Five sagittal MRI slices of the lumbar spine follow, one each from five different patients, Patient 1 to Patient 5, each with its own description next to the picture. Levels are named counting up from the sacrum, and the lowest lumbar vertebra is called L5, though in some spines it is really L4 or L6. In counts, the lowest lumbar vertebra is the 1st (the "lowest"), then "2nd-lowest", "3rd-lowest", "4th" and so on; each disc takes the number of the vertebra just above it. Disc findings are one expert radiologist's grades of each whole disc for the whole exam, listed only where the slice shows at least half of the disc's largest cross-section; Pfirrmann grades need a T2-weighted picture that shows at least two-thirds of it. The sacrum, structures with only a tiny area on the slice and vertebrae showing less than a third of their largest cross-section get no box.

Patient 1 of 5:
Patient sex: F. T1-weighted sagittal MRI of the lumbar spine. 646x647 px. 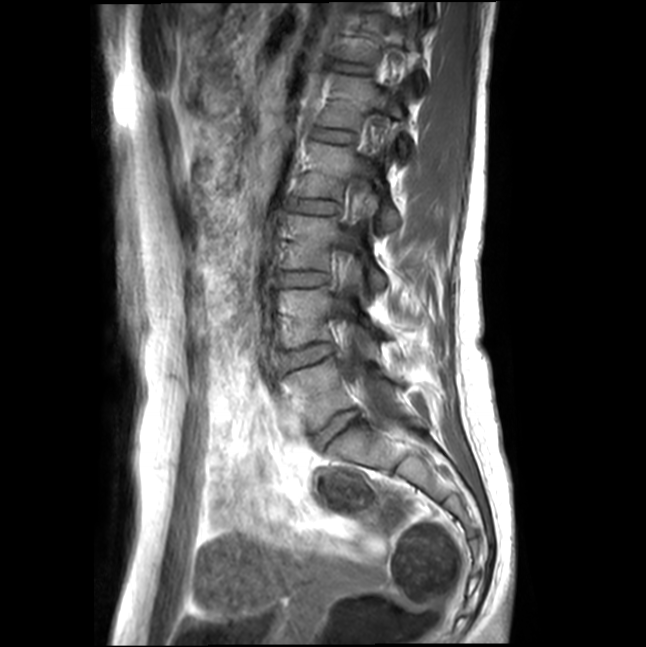

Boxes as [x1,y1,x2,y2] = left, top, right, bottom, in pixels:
{"T12/L1 (6th disc)": "[337,65,371,73]", "L5 (lowest vertebra)": "[287,358,405,430]", "disc L4/L5 (2nd-lowest disc)": "[282,343,333,368]", "L3 (3rd-lowest vertebra)": "[281,215,386,290]", "thecal sac / spinal canal": "[339,160,400,422]", "disc L3/L4 (3rd-lowest disc)": "[277,272,328,287]", "L2 (4th vertebra)": "[297,142,399,230]", "L5/S1 (lowest disc)": "[316,411,359,446]", "L2/L3 (4th disc)": "[291,199,340,214]", "L1 (5th vertebra)": "[317,74,409,154]", "L4 (2nd-lowest vertebra)": "[277,287,382,347]", "disc L1/L2 (5th disc)": "[313,127,353,143]"}

Radiological gradings:
  L4/L5 (2nd-lowest disc), L5/S1 (lowest disc), L2/L3 (4th disc), L3/L4 (3rd-lowest disc), L1/L2 (5th disc): no spondylolisthesis, narrowing, bulging, herniation, Modic or endplate change recorded

Patient 2 of 5:
512x640 px. Sagittal T2 SPACE (3D) lumbar spine MRI. Field of view 240x300 mm.
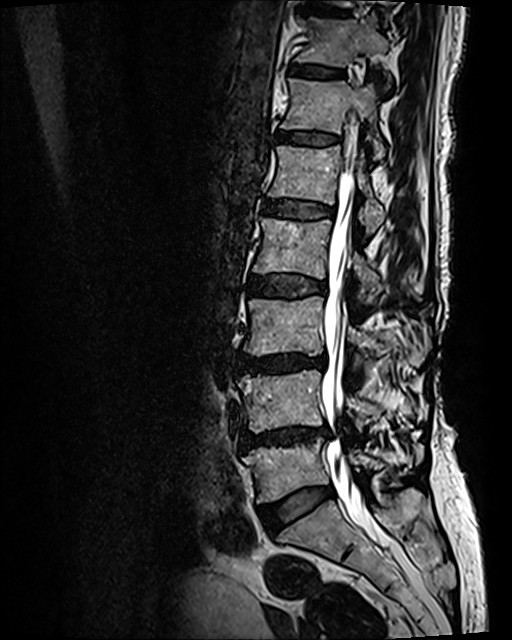

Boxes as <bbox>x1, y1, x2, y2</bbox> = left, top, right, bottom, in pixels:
* thecal sac / spinal canal: <bbox>322, 146, 384, 546</bbox>
* IVD T11/T12: <bbox>290, 63, 343, 78</bbox>
* L2: <bbox>253, 218, 424, 304</bbox>
* T12 vertebra: <bbox>281, 79, 385, 159</bbox>
* T11: <bbox>296, 14, 391, 88</bbox>
* L1 vertebra: <bbox>268, 145, 384, 235</bbox>
* L2/L3: <bbox>252, 275, 326, 297</bbox>
* L4 vertebra: <bbox>237, 370, 381, 431</bbox>
* IVD L4/L5: <bbox>242, 425, 329, 449</bbox>
* IVD T10/T11: <bbox>306, 6, 345, 15</bbox>
* L5 vertebra: <bbox>242, 438, 422, 502</bbox>
* T12/L1: <bbox>276, 131, 338, 145</bbox>
* L3/L4: <bbox>237, 353, 326, 372</bbox>
* L3: <bbox>243, 296, 428, 370</bbox>
* IVD L1/L2: <bbox>263, 200, 333, 219</bbox>
* L5/S1: <bbox>259, 488, 333, 530</bbox>

Per-level radiological findings:
- L3/L4: Pfirrmann grade 4, disc narrowing, upper-endplate change, lower-endplate change, disc bulging, Modic type II
- L5/S1: Pfirrmann grade 2, disc bulging
- L4/L5: Pfirrmann grade 4, upper-endplate change, disc bulging, Modic type II, disc narrowing, lower-endplate change
- T12/L1: Pfirrmann grade 2, lower-endplate change, Modic type II, upper-endplate change
- L2/L3: Pfirrmann grade 3, upper-endplate change, disc bulging, lower-endplate change, Modic type II
- T11/T12: Pfirrmann grade 2, upper-endplate change, Modic type II, lower-endplate change
- L1/L2: Pfirrmann grade 3, lower-endplate change, Modic type II, upper-endplate change

Patient 3 of 5:
Slice 19/25; Sagittal T2-weighted lumbar spine MRI

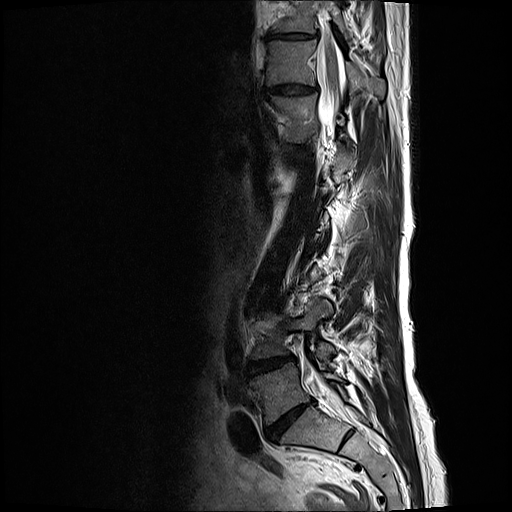 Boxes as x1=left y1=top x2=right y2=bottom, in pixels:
Lowest disc at x1=266 y1=402 x2=311 y2=440, 2nd-lowest vertebra at x1=254 y1=300 x2=335 y2=365, 7th vertebra at x1=266 y1=40 x2=385 y2=97, thecal sac / spinal canal at x1=310 y1=35 x2=344 y2=391, 8th vertebra at x1=271 y1=2 x2=350 y2=40, 7th disc at x1=266 y1=83 x2=317 y2=95, 2nd-lowest disc at x1=249 y1=358 x2=292 y2=374, 8th disc at x1=268 y1=31 x2=317 y2=39, 6th vertebra at x1=271 y1=95 x2=318 y2=142, lowest vertebra at x1=253 y1=363 x2=342 y2=424.

Radiological gradings:
• 7th disc: Pfirrmann grade 3, disc bulging, disc narrowing
• 8th disc: Pfirrmann grade 3, disc bulging, disc narrowing
• lowest disc: Pfirrmann grade 5, disc bulging, Modic type II, disc narrowing, lower-endplate change, upper-endplate change
• 2nd-lowest disc: disc bulging, Modic type II, disc narrowing

Patient 4 of 5:
Field of view 280x280 mm, slice spacing 3.3 mm. 448x448 px. Slice 8 of 24. Sex M. Lumbar spine MR, T1-weighted, sagittal.
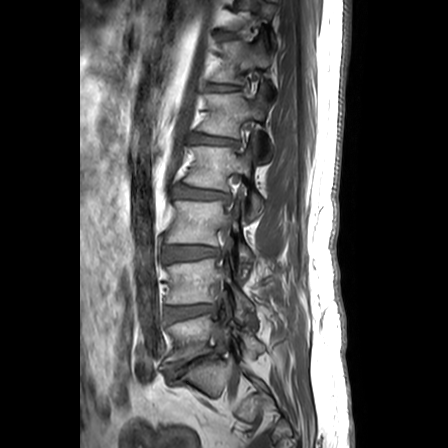
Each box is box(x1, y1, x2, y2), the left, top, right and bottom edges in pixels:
L3 vertebra: box(168, 200, 252, 283).
L4 vertebra: box(167, 245, 253, 320).
L5: box(167, 315, 264, 365).
Disc L1/L2: box(194, 134, 236, 144).
L1: box(198, 93, 272, 160).
L5/S1: box(166, 345, 224, 377).
T12/L1: box(208, 84, 238, 90).
L4/L5: box(165, 305, 216, 321).
L3/L4: box(165, 246, 218, 260).
T12: box(211, 30, 272, 83).
L2 vertebra: box(185, 135, 263, 217).
Disc L2/L3: box(174, 187, 228, 199).

Degenerative findings by level:
- L1/L2: lower-endplate change, upper-endplate change, disc bulging, Modic type II
- L3/L4: disc bulging
- L4/L5: disc bulging, disc narrowing
- L2/L3: disc bulging
- L5/S1: disc narrowing, upper-endplate change, disc herniation, Modic type II, disc bulging, lower-endplate change, spondylolisthesis
- T12/L1: no spondylolisthesis, narrowing, bulging, herniation, Modic or endplate change recorded

Patient 5 of 5:
Sagittal T2 SPACE (3D) lumbar spine MRI | Slice 88/144 | Sex M
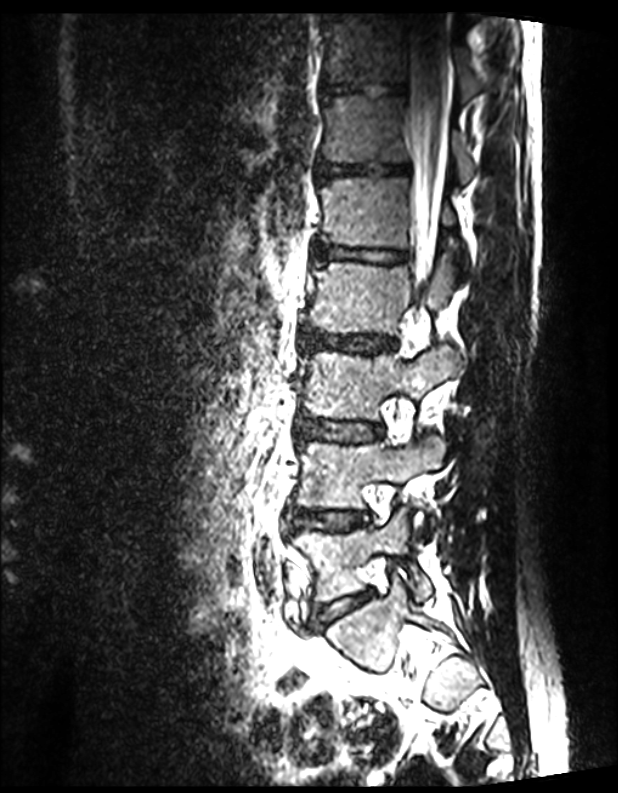 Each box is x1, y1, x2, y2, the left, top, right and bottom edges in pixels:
2nd-lowest disc at 289, 509, 368, 529.
3rd-lowest vertebra at 306, 347, 464, 419.
Lowest vertebra at 292, 505, 432, 600.
7th disc at 323, 81, 405, 95.
4th vertebra at 307, 252, 466, 334.
2nd-lowest vertebra at 296, 437, 444, 508.
Spinal canal at 408, 22, 447, 285.
4th disc at 300, 331, 396, 352.
3rd-lowest disc at 296, 418, 383, 441.
5th disc at 313, 243, 407, 263.
5th vertebra at 320, 177, 453, 247.
6th vertebra at 323, 95, 474, 184.
Lowest disc at 313, 591, 372, 625.
7th vertebra at 322, 14, 478, 99.
6th disc at 317, 162, 410, 178.

Radiological gradings:
• 3rd-lowest disc: Pfirrmann grade 1
• 7th disc: Pfirrmann grade 1
• 4th disc: Pfirrmann grade 1
• 5th disc: Pfirrmann grade 1
• 6th disc: Pfirrmann grade 1
• 2nd-lowest disc: no spondylolisthesis, narrowing, bulging, herniation, Modic or endplate change recorded